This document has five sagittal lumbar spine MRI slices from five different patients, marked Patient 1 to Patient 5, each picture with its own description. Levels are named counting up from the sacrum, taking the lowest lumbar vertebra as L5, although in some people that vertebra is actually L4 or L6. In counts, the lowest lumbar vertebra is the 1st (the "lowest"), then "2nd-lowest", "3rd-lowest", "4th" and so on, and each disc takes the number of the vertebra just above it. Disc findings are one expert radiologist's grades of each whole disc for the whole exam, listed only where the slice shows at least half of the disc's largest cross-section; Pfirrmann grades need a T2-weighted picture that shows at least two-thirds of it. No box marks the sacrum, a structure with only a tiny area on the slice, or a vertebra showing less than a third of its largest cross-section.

Patient 1 of 5:
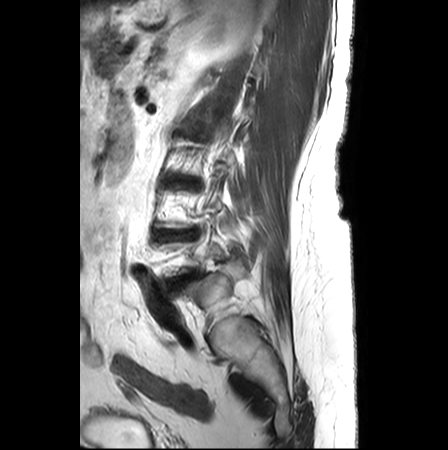 Patient sex: F | Sagittal slice index 20 | Sagittal T2-weighted lumbar spine MRI
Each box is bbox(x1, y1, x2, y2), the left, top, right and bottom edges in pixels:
L4/L5 (2nd-lowest disc): bbox(158, 231, 192, 240)
IVD L5/S1 (lowest disc): bbox(173, 274, 194, 284)
L3/L4 (3rd-lowest disc): bbox(172, 178, 198, 188)

Radiological gradings:
• L3/L4 (3rd-lowest disc): disc bulging, upper-endplate change, lower-endplate change, Modic type II, disc narrowing

Patient 2 of 5:
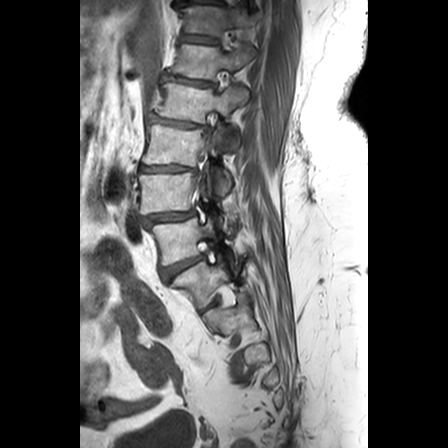 Image 448x448; Slice 9 of 24; Lumbar spine MR, T1-weighted, sagittal
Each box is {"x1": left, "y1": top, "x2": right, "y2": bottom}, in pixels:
T12/L1: {"x1": 181, "y1": 33, "x2": 219, "y2": 43}.
L4 vertebra: {"x1": 139, "y1": 171, "x2": 222, "y2": 218}.
Spinal canal: {"x1": 197, "y1": 145, "x2": 207, "y2": 188}.
L4/L5: {"x1": 140, "y1": 210, "x2": 194, "y2": 223}.
L2: {"x1": 156, "y1": 81, "x2": 249, "y2": 144}.
L5 vertebra: {"x1": 152, "y1": 216, "x2": 215, "y2": 264}.
L3 vertebra: {"x1": 143, "y1": 123, "x2": 230, "y2": 192}.
IVD L2/L3: {"x1": 148, "y1": 113, "x2": 208, "y2": 128}.
IVD L5/S1: {"x1": 160, "y1": 253, "x2": 205, "y2": 277}.
T12: {"x1": 185, "y1": 5, "x2": 256, "y2": 34}.
L1: {"x1": 168, "y1": 43, "x2": 254, "y2": 77}.
IVD L1/L2: {"x1": 161, "y1": 72, "x2": 216, "y2": 87}.
L3/L4: {"x1": 140, "y1": 164, "x2": 197, "y2": 170}.

Radiological gradings:
• L4/L5: spondylolisthesis, disc bulging, disc narrowing
• L1/L2: upper-endplate change, disc narrowing, lower-endplate change, disc bulging, Modic type II
• T12/L1: lower-endplate change, upper-endplate change, Modic type II
• L3/L4: disc bulging, lower-endplate change, Modic type II, disc narrowing, upper-endplate change
• L2/L3: lower-endplate change, Modic type II, upper-endplate change, disc bulging, disc narrowing
• L5/S1: disc bulging

Patient 3 of 5:
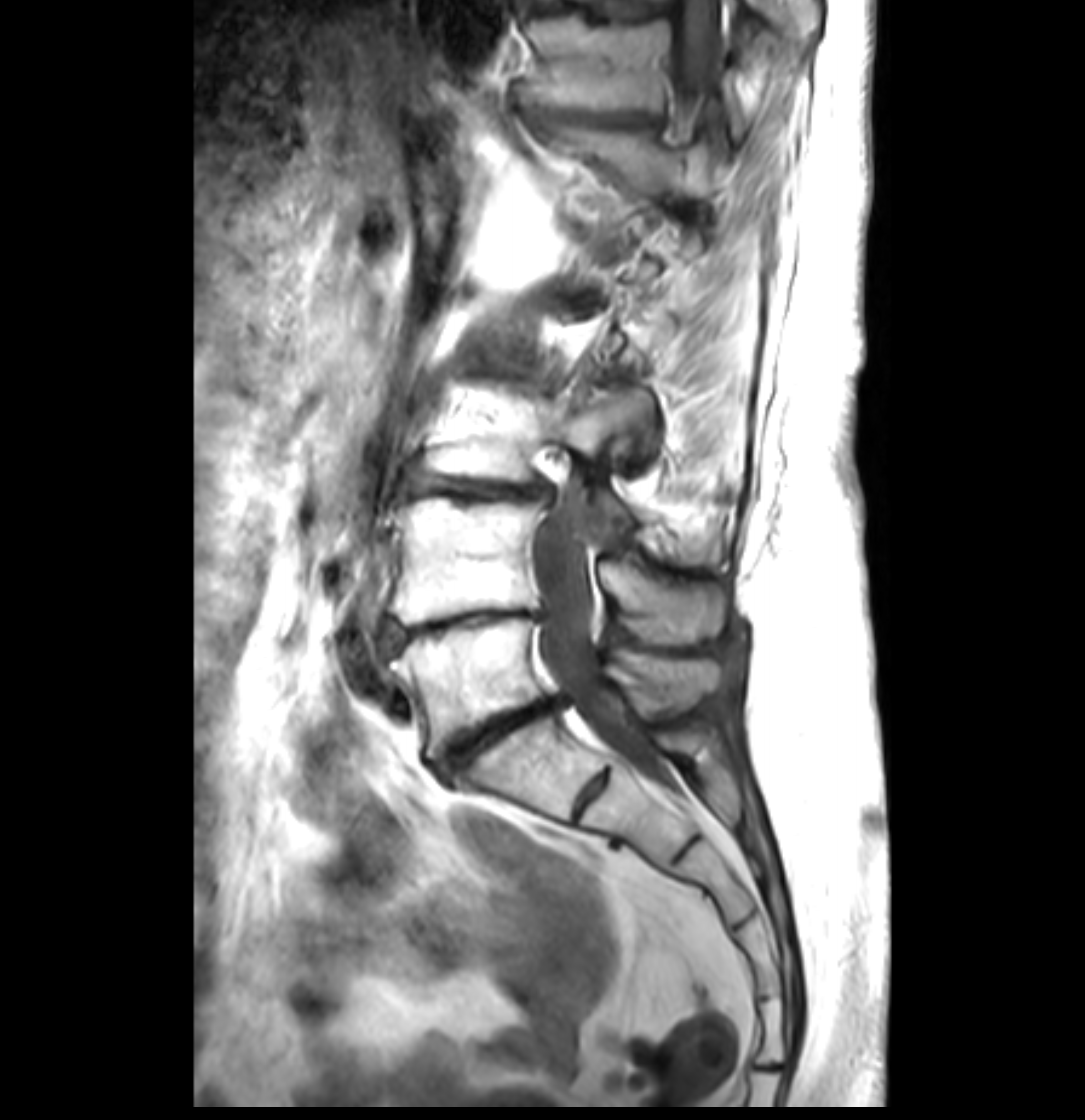 T1-weighted sagittal MRI of the lumbar spine | 1085x1120 px
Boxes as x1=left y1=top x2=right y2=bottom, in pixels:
Lowest disc = x1=436 y1=696 x2=571 y2=774.
2nd-lowest vertebra = x1=390 y1=497 x2=721 y2=644.
7th disc = x1=523 y1=107 x2=666 y2=128.
7th vertebra = x1=516 y1=11 x2=748 y2=134.
3rd-lowest vertebra = x1=426 y1=390 x2=699 y2=562.
Lowest vertebra = x1=390 y1=618 x2=719 y2=758.
2nd-lowest disc = x1=385 y1=611 x2=545 y2=646.
3rd-lowest disc = x1=400 y1=469 x2=552 y2=503.
Spinal canal = x1=535 y1=34 x2=719 y2=781.

Radiological gradings:
- 7th disc: disc narrowing, upper-endplate change, disc bulging, Modic type II, lower-endplate change
- 3rd-lowest disc: Modic type II, disc narrowing, disc bulging, lower-endplate change, upper-endplate change
- lowest disc: upper-endplate change, disc herniation, lower-endplate change, disc bulging, disc narrowing, Modic type II

Patient 4 of 5:
Slice spacing 3.3 mm. Slice 7/17. Sagittal T2-weighted lumbar spine MRI. Image 512x512.

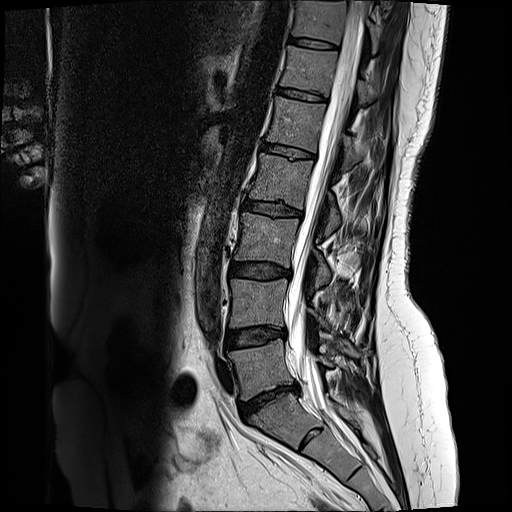

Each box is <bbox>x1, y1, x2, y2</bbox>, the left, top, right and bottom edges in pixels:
Annotations:
- IVD T12/L1 — <bbox>278, 90, 326, 102</bbox>
- T11 vertebra — <bbox>294, 1, 377, 52</bbox>
- L1 — <bbox>267, 96, 357, 168</bbox>
- T12 vertebra — <bbox>281, 47, 371, 104</bbox>
- L1/L2 — <bbox>262, 143, 313, 158</bbox>
- IVD L2/L3 — <bbox>243, 200, 302, 216</bbox>
- T11/T12 — <bbox>291, 39, 337, 50</bbox>
- L5/S1 — <bbox>240, 387, 297, 420</bbox>
- L3/L4 — <bbox>230, 263, 291, 278</bbox>
- L5 — <bbox>230, 340, 333, 400</bbox>
- L2 vertebra — <bbox>248, 155, 342, 232</bbox>
- IVD L4/L5 — <bbox>226, 328, 285, 350</bbox>
- L3 vertebra — <bbox>234, 212, 332, 284</bbox>
- thecal sac / spinal canal — <bbox>289, 1, 365, 406</bbox>
- L4 vertebra — <bbox>230, 279, 328, 327</bbox>

Per-level radiological findings:
  L2/L3: Pfirrmann grade 4, disc bulging, upper-endplate change, lower-endplate change
  T11/T12: Pfirrmann grade 2
  L3/L4: Pfirrmann grade 2, disc bulging
  L1/L2: Pfirrmann grade 2, lower-endplate change, upper-endplate change
  L5/S1: Pfirrmann grade 1, disc bulging, disc narrowing, disc herniation
  L4/L5: Pfirrmann grade 2, disc bulging
  T12/L1: Pfirrmann grade 2, upper-endplate change, lower-endplate change

Patient 5 of 5:
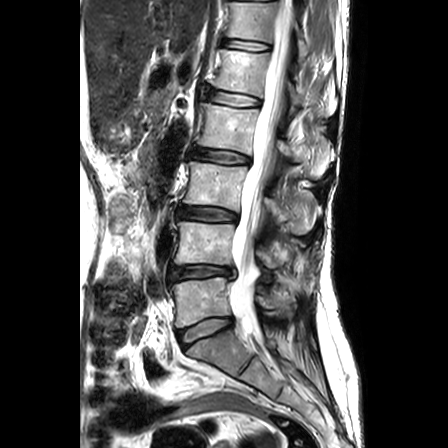 Image 448x448. Sagittal T2-weighted lumbar spine MRI.

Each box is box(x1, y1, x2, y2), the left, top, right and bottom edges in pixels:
L4 vertebra — box(174, 221, 278, 268).
L5/S1 — box(177, 317, 232, 347).
L2 vertebra — box(197, 103, 334, 177).
Intervertebral disc L3/L4 — box(178, 207, 236, 221).
L4/L5 — box(170, 264, 236, 281).
Intervertebral disc L2/L3 — box(191, 148, 249, 163).
T12/L1 — box(224, 39, 269, 50).
L3 vertebra — box(183, 161, 321, 234).
L5 — box(171, 277, 294, 327).
L1 vertebra — box(211, 49, 336, 117).
T12 — box(228, 2, 308, 62).
Intervertebral disc L1/L2 — box(208, 90, 259, 107).
Spinal canal — box(231, 0, 293, 329).

Radiological gradings:
• L3/L4: Pfirrmann grade 3, disc bulging, lower-endplate change, upper-endplate change
• T12/L1: Pfirrmann grade 2, Modic type II
• L5/S1: Pfirrmann grade 2
• L1/L2: Pfirrmann grade 2, Modic type II, upper-endplate change, lower-endplate change
• L2/L3: Pfirrmann grade 3, lower-endplate change, disc bulging, Modic type II, upper-endplate change
• L4/L5: Pfirrmann grade 3, disc herniation, lower-endplate change, disc narrowing, upper-endplate change